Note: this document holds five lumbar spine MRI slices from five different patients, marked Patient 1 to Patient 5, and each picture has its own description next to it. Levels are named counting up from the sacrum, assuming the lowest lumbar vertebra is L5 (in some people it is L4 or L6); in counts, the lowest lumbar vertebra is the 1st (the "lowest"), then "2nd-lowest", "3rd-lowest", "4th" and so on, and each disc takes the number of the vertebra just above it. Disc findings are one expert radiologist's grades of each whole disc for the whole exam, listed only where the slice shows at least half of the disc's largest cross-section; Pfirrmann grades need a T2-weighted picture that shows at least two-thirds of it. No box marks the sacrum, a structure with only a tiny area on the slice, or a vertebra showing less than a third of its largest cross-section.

Patient 1 of 5:
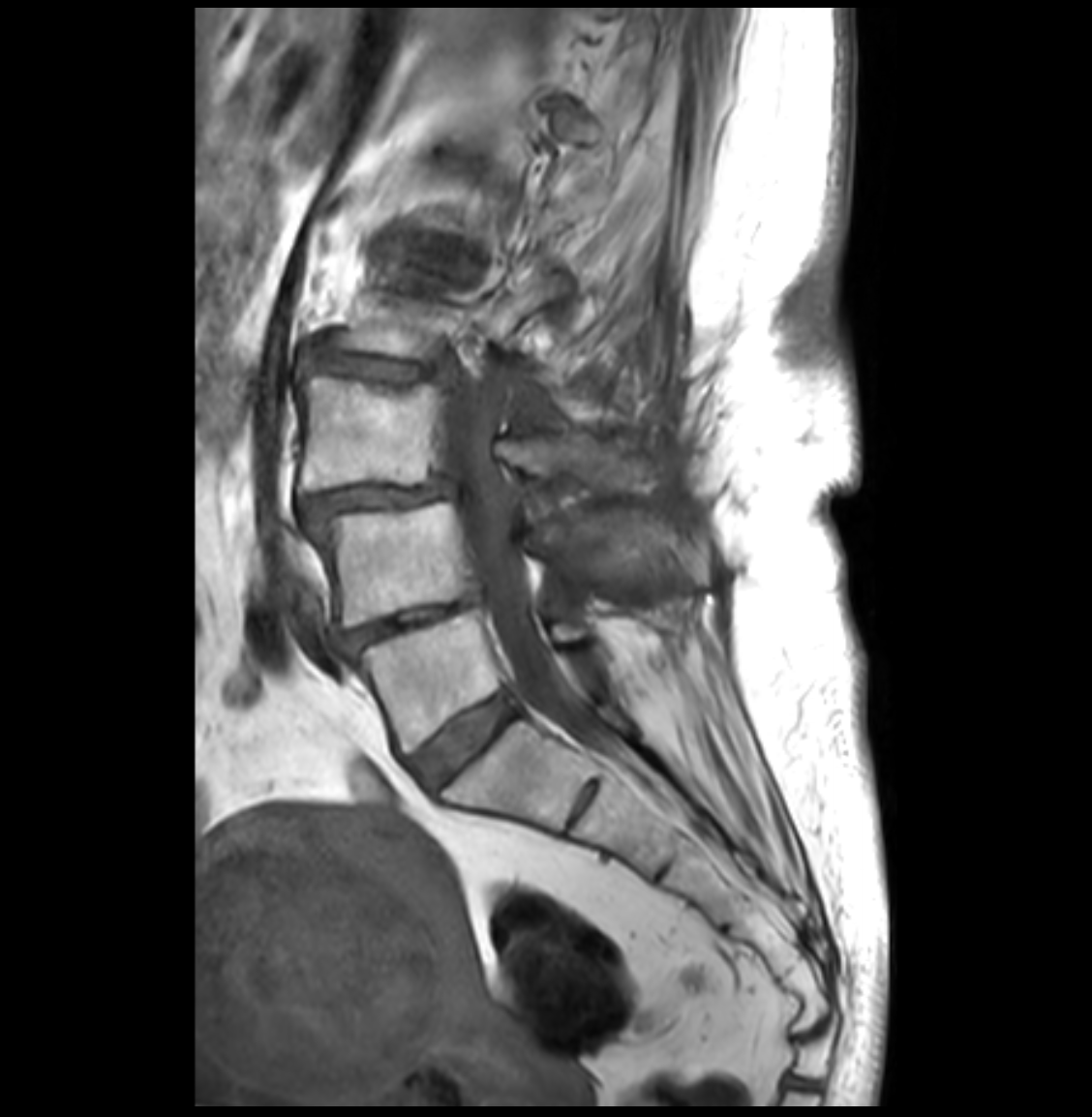
Sex F; Slice 16 of 33; Field of view 280x286 mm; MRI lumbar spine (T1-weighted), sagittal plane
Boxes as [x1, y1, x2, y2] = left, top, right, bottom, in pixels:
IVD L4/L5 = [339, 592, 479, 653].
L3/L4 = [300, 479, 452, 520].
Spinal canal = [439, 339, 584, 731].
IVD L2/L3 = [302, 335, 455, 388].
L3 = [300, 375, 652, 492].
L4 vertebra = [310, 501, 667, 625].
L2 vertebra = [334, 264, 589, 419].
L5 vertebra = [356, 609, 584, 751].
IVD L5/S1 = [409, 694, 516, 787].

Radiological gradings:
- L4/L5: disc narrowing, disc bulging
- L3/L4: disc narrowing, disc bulging, spondylolisthesis
- L2/L3: disc narrowing, disc bulging, lower-endplate change, upper-endplate change
- L5/S1: no Modic or endplate change, herniation, narrowing, bulging or spondylolisthesis recorded

Patient 2 of 5:
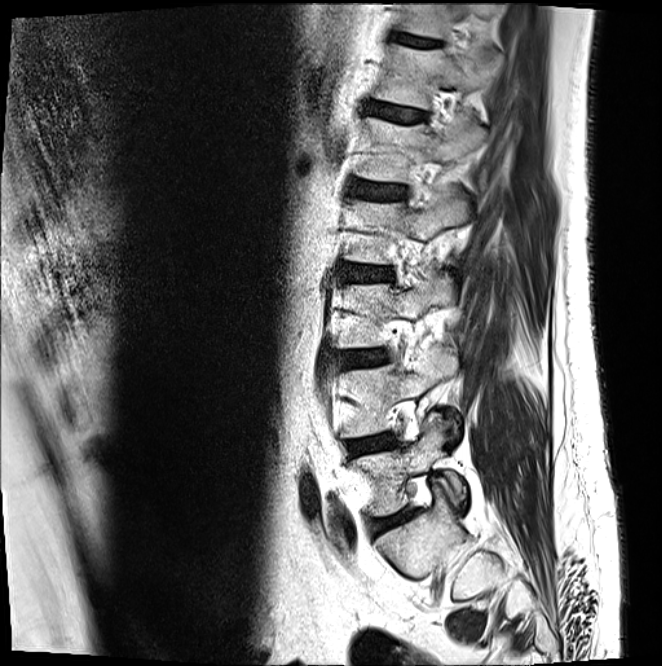

Slice 17/21, Lumbar spine MR, T2-weighted, sagittal, Image 662x666, Sex M

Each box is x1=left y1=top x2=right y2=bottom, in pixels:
IVD T12/L1: x1=367 y1=102 x2=426 y2=121.
L2: x1=344 y1=187 x2=468 y2=264.
L5: x1=351 y1=412 x2=467 y2=516.
T12: x1=374 y1=43 x2=502 y2=109.
L4/L5: x1=347 y1=432 x2=400 y2=456.
IVD L5/S1: x1=371 y1=510 x2=412 y2=533.
IVD L3/L4: x1=336 y1=350 x2=388 y2=367.
L2/L3: x1=340 y1=265 x2=392 y2=281.
L3: x1=336 y1=272 x2=454 y2=349.
T11 vertebra: x1=397 y1=2 x2=496 y2=39.
T11/T12: x1=392 y1=33 x2=439 y2=47.
L4 vertebra: x1=340 y1=351 x2=458 y2=437.
L1: x1=356 y1=115 x2=487 y2=182.
L1/L2: x1=354 y1=181 x2=406 y2=199.

Degenerative findings by level:
- T12/L1: Pfirrmann grade 2
- L1/L2: disc bulging
- T11/T12: no Modic or endplate change, herniation, narrowing, bulging or spondylolisthesis recorded

Patient 3 of 5:
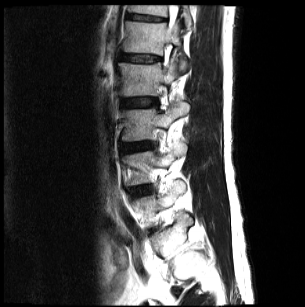 Sagittal slice index 7 | MRI lumbar spine (T2-weighted), sagittal plane
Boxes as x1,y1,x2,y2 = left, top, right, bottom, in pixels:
* L3 vertebra at 122,101,188,141
* intervertebral disc T12/L1 at 128,14,164,21
* intervertebral disc L3/L4 at 125,142,151,151
* T12 vertebra at 128,5,191,28
* L2/L3 at 121,98,155,107
* L4/L5 at 133,185,147,192
* L1 vertebra at 124,20,186,70
* L1/L2 at 121,55,160,61
* L2 at 118,57,177,95

Degenerative findings by level:
  T12/L1: Pfirrmann grade 3, lower-endplate change, upper-endplate change
  L1/L2: Pfirrmann grade 2, lower-endplate change, Modic type II, upper-endplate change
  L2/L3: Pfirrmann grade 2, Modic type II

Patient 4 of 5:
T2 SPACE (3D) sagittal MRI of the lumbar spine, Slice 89 of 120, Patient sex: M
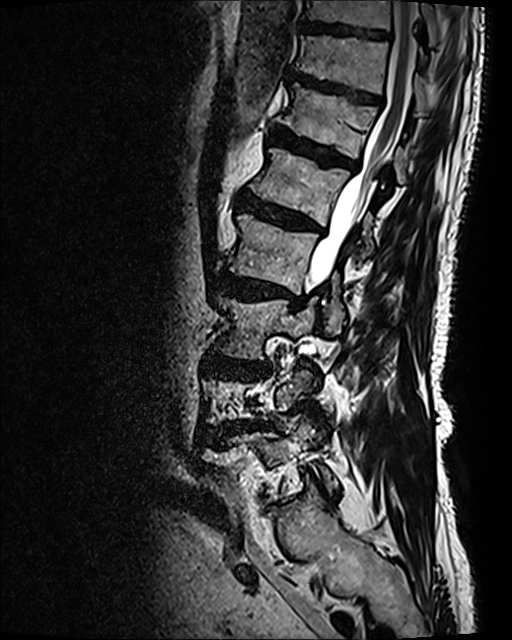

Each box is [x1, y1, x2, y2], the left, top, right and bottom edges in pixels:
Thecal sac / spinal canal: [309, 1, 417, 286].
7th disc: [289, 72, 381, 104].
5th disc: [238, 195, 321, 232].
2nd-lowest disc: [224, 422, 261, 428].
6th disc: [270, 126, 358, 169].
4th disc: [215, 272, 304, 307].
3rd-lowest vertebra: [214, 295, 315, 357].
6th vertebra: [275, 83, 406, 183].
8th vertebra: [304, 0, 440, 45].
4th vertebra: [227, 214, 345, 334].
8th disc: [300, 22, 389, 39].
3rd-lowest disc: [211, 354, 268, 373].
5th vertebra: [251, 147, 374, 255].
7th vertebra: [297, 36, 427, 115].

Degenerative findings by level:
- 6th disc: Pfirrmann grade 4, disc bulging, lower-endplate change, upper-endplate change, Modic type II
- 8th disc: Pfirrmann grade 3
- 5th disc: Pfirrmann grade 4, upper-endplate change, disc bulging, lower-endplate change, Modic type II
- 4th disc: Pfirrmann grade 4, Modic type I, disc narrowing, disc bulging, lower-endplate change, upper-endplate change
- 7th disc: Pfirrmann grade 4, disc bulging, upper-endplate change, lower-endplate change

Patient 5 of 5:
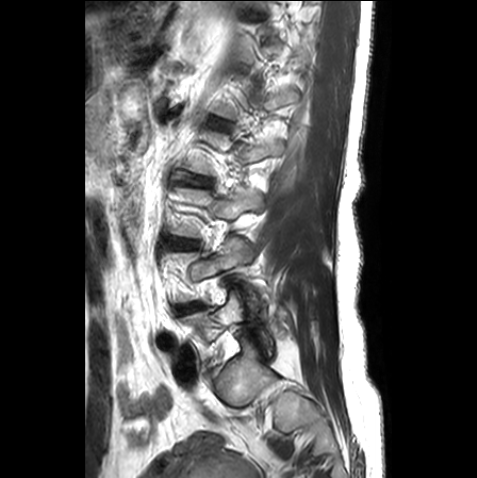
Patient sex: F. T2-weighted sagittal MRI of the lumbar spine.
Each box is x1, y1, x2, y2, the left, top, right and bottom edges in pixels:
Segmented structures:
- L3 vertebra: 171, 187, 262, 237
- L2/L3: 184, 177, 210, 186
- L4 vertebra: 172, 238, 257, 308
- L1/L2: 209, 117, 227, 127
- intervertebral disc L4/L5: 178, 303, 200, 313
- L5: 182, 292, 270, 345
- L3/L4: 171, 239, 197, 248